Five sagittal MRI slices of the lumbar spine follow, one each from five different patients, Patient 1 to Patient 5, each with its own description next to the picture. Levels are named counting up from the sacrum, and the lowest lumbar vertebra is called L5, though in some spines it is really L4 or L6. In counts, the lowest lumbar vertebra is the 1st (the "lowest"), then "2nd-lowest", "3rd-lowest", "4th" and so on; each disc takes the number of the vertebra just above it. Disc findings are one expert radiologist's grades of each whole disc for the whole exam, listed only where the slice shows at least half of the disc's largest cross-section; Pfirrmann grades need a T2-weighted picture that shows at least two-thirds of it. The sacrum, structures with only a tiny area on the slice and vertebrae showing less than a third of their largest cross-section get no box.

Patient 1 of 5:
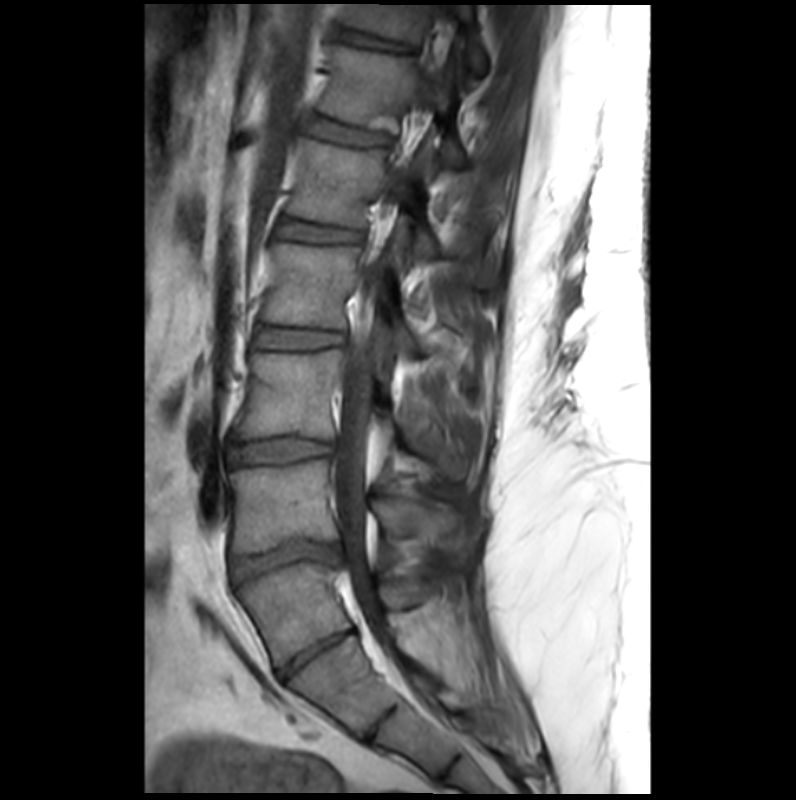 Field of view 283x285 mm, slice spacing 3.4 mm | T1-weighted sagittal MRI of the lumbar spine

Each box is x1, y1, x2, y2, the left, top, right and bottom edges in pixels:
L2/L3: 253, 328, 341, 348
L1/L2: 277, 219, 360, 242
L5: 238, 561, 432, 666
L4 vertebra: 227, 460, 453, 552
L3/L4: 228, 438, 333, 464
intervertebral disc T12/L1: 306, 118, 389, 144
spinal canal: 335, 273, 389, 645
T12: 318, 45, 468, 167
intervertebral disc L5/S1: 280, 632, 353, 676
intervertebral disc T11/T12: 336, 28, 411, 51
L2 vertebra: 262, 242, 421, 352
intervertebral disc L4/L5: 231, 541, 339, 580
L1: 286, 138, 438, 257
L3: 235, 348, 467, 477
T11: 342, 5, 486, 74

Degenerative findings by level:
  T11/T12: lower-endplate change
  L5/S1: disc narrowing
  L4/L5: spondylolisthesis, lower-endplate change, disc herniation, disc narrowing, upper-endplate change, Modic type III
  L1/L2: lower-endplate change, upper-endplate change
  T12/L1: lower-endplate change, upper-endplate change
  L2/L3, L3/L4: no Modic or endplate change, herniation, narrowing, bulging or spondylolisthesis recorded

Patient 2 of 5:
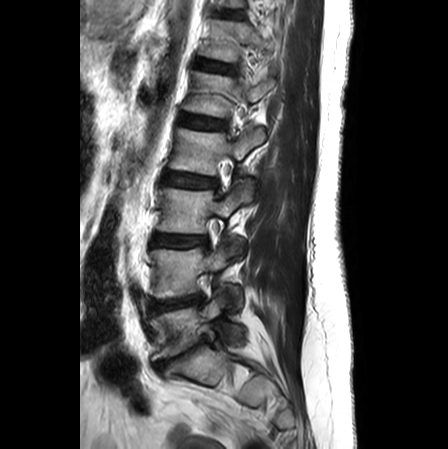 448x449 px | Sex F | MRI lumbar spine (T2-weighted), sagittal plane
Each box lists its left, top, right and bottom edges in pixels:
* L4 vertebra at left=150, top=245, right=242, bottom=307
* intervertebral disc L1/L2 at left=180, top=115, right=225, bottom=129
* intervertebral disc L5/S1 at left=154, top=340, right=205, bottom=369
* intervertebral disc L2/L3 at left=165, top=173, right=217, bottom=188
* L2 vertebra at left=169, top=127, right=264, bottom=174
* intervertebral disc L4/L5 at left=151, top=294, right=204, bottom=311
* L5 at left=151, top=290, right=243, bottom=360
* L1 at left=184, top=72, right=274, bottom=117
* L3 vertebra at left=157, top=179, right=252, bottom=233
* L3/L4 at left=152, top=235, right=207, bottom=247
* T12/L1 at left=196, top=59, right=233, bottom=72
* T11/T12 at left=217, top=9, right=240, bottom=16
* T12 vertebra at left=199, top=19, right=274, bottom=61

Expert MSK radiologist gradings (per disc):
- L4/L5: disc narrowing, disc bulging
- T12/L1: Pfirrmann grade 1
- L1/L2: Pfirrmann grade 1
- L3/L4: Pfirrmann grade 3, disc bulging
- L2/L3: Pfirrmann grade 2, disc bulging

Patient 3 of 5:
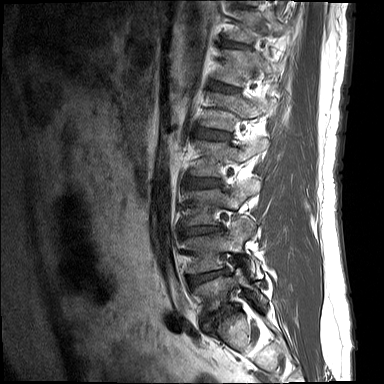 Sagittal slice index 2; T1-weighted sagittal MRI of the lumbar spine
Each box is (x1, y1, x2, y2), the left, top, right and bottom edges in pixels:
{"6th vertebra": "(219, 50, 272, 85)", "6th disc": "(212, 82, 236, 91)", "3rd-lowest vertebra": "(187, 183, 259, 224)", "3rd-lowest disc": "(183, 226, 219, 235)", "4th disc": "(188, 177, 219, 187)", "lowest vertebra": "(194, 267, 267, 310)", "lowest disc": "(206, 307, 239, 317)", "4th vertebra": "(192, 139, 268, 175)", "2nd-lowest disc": "(188, 270, 225, 286)", "2nd-lowest vertebra": "(187, 221, 260, 278)", "5th disc": "(195, 127, 230, 139)", "7th disc": "(225, 41, 246, 48)", "5th vertebra": "(202, 94, 274, 130)"}

Degenerative findings by level:
- 3rd-lowest disc: disc bulging, upper-endplate change, disc narrowing, lower-endplate change
- 2nd-lowest disc: Modic type II, lower-endplate change, upper-endplate change, disc narrowing, disc bulging
- 4th disc: disc bulging
- 5th disc: disc bulging, upper-endplate change
- 6th disc: no herniation, bulging, narrowing, spondylolisthesis, endplate or Modic change recorded

Patient 4 of 5:
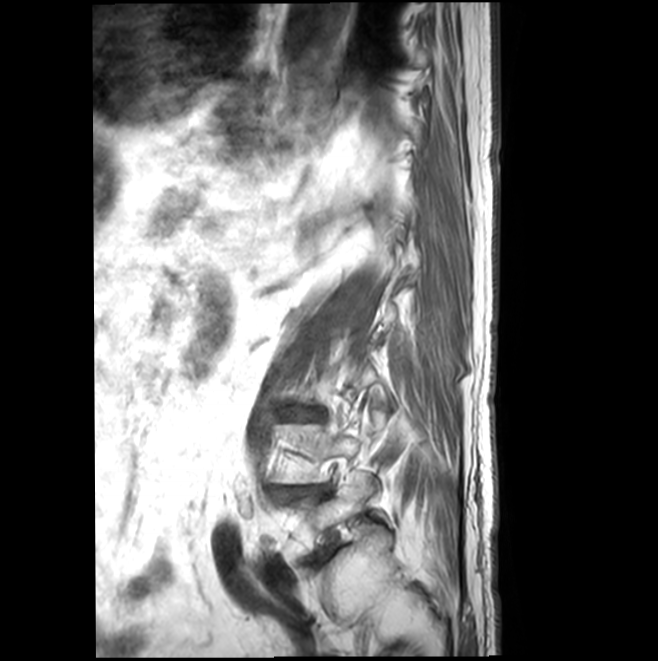 Slice 18 of 22; Field of view 308x310 mm, slice spacing 4.4 mm; Lumbar spine MR, T1-weighted, sagittal
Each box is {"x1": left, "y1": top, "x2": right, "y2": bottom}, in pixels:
Disc L4/L5 at {"x1": 270, "y1": 486, "x2": 331, "y2": 501}, L5 vertebra at {"x1": 291, "y1": 470, "x2": 391, "y2": 550}, disc L3/L4 at {"x1": 286, "y1": 411, "x2": 322, "y2": 419}.

Degenerative findings by level:
- L4/L5: disc bulging, upper-endplate change, disc narrowing, lower-endplate change, Modic type II

Patient 5 of 5:
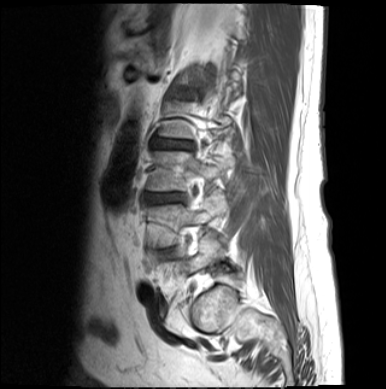 Image 386x389; Patient sex: F; Slice 14/18; Sagittal T1-weighted lumbar spine MRI

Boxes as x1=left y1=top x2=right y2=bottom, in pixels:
Segmented structures:
- L3/L4 (3rd-lowest disc) at x1=145 y1=194 x2=186 y2=202
- disc L4/L5 (2nd-lowest disc) at x1=159 y1=249 x2=174 y2=258
- L4 (2nd-lowest vertebra) at x1=148 y1=191 x2=227 y2=247
- disc L2/L3 (4th disc) at x1=153 y1=139 x2=193 y2=149
- L5 (lowest vertebra) at x1=164 y1=232 x2=222 y2=273
- L3 (3rd-lowest vertebra) at x1=147 y1=151 x2=234 y2=190

Per-level radiological findings:
  L2/L3 (4th disc): disc bulging
  L3/L4 (3rd-lowest disc): disc narrowing, disc bulging